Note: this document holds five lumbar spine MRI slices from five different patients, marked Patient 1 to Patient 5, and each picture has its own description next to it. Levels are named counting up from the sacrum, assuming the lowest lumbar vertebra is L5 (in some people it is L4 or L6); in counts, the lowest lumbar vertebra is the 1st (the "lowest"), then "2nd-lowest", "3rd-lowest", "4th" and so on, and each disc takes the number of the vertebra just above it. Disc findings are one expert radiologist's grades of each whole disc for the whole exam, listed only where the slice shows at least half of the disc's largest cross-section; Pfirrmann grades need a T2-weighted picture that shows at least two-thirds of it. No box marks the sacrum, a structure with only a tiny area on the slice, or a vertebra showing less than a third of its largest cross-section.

Patient 1 of 5:
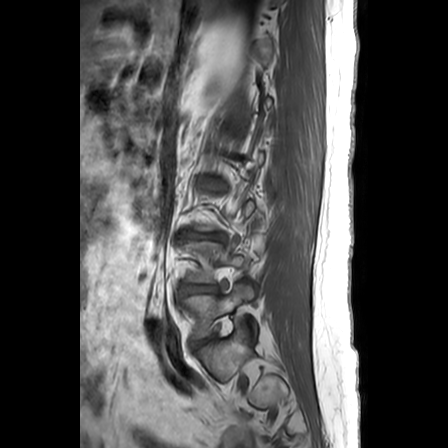

Sex F; Sagittal slice index 5; MRI lumbar spine (T1-weighted), sagittal plane
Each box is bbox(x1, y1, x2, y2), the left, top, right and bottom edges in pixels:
{"L5/S1": "bbox(197, 338, 210, 345)", "L5": "bbox(186, 284, 259, 340)", "L4/L5": "bbox(184, 285, 216, 293)", "L3/L4": "bbox(186, 230, 224, 239)"}

Patient 2 of 5:
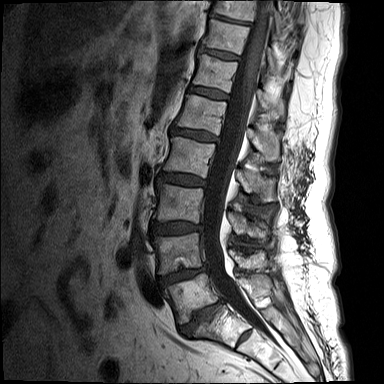 Slice spacing 4.4 mm; MRI lumbar spine (T1-weighted), sagittal plane; Image 384x384
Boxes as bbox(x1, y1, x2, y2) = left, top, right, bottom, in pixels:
Structures:
* L2 (4th vertebra): bbox(163, 137, 275, 201)
* intervertebral disc L4/L5 (2nd-lowest disc): bbox(158, 266, 207, 286)
* L1 (5th vertebra): bbox(176, 95, 282, 161)
* intervertebral disc L3/L4 (3rd-lowest disc): bbox(150, 222, 201, 234)
* L5/S1 (lowest disc): bbox(179, 298, 225, 336)
* intervertebral disc T10/T11 (8th disc): bbox(209, 12, 251, 25)
* L5 (lowest vertebra): bbox(164, 273, 272, 324)
* intervertebral disc L2/L3 (4th disc): bbox(158, 173, 205, 186)
* intervertebral disc T11/T12 (7th disc): bbox(200, 47, 239, 60)
* T12 (6th vertebra): bbox(193, 54, 285, 119)
* L3 (3rd-lowest vertebra): bbox(153, 183, 269, 240)
* T10 (8th vertebra): bbox(212, 0, 283, 30)
* intervertebral disc L1/L2 (5th disc): bbox(170, 127, 219, 141)
* T11 (7th vertebra): bbox(202, 19, 275, 71)
* intervertebral disc T12/L1 (6th disc): bbox(188, 86, 228, 99)
* L4 (2nd-lowest vertebra): bbox(152, 233, 268, 274)
* spinal canal: bbox(201, 0, 273, 339)

Expert MSK radiologist gradings (per disc):
  T10/T11 (8th disc): disc narrowing, Modic type II, lower-endplate change
  L1/L2 (5th disc): disc bulging
  L2/L3 (4th disc): disc bulging
  L4/L5 (2nd-lowest disc): Modic type II, upper-endplate change, disc bulging, lower-endplate change, disc narrowing
  L3/L4 (3rd-lowest disc): disc bulging
  L5/S1 (lowest disc): disc bulging, upper-endplate change, lower-endplate change, Modic type II, disc narrowing
  T12/L1 (6th disc): Modic type II
  T11/T12 (7th disc): upper-endplate change, Modic type II

Patient 3 of 5:
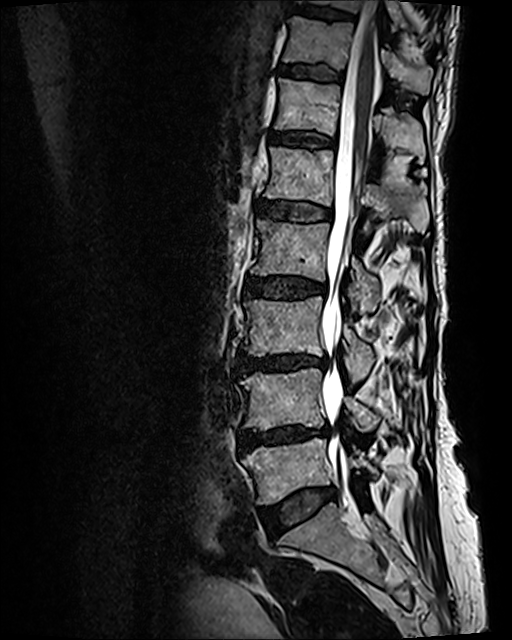 Lumbar spine MR, T2 SPACE (3D), sagittal. Sex F. Sagittal slice index 66. 512x640 px.
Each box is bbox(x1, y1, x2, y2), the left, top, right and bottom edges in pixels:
Annotations:
• IVD L2/L3 (4th disc) = bbox(245, 273, 326, 298)
• T11/T12 (7th disc) = bbox(280, 64, 343, 80)
• L5 (lowest vertebra) = bbox(242, 438, 377, 505)
• L4 (2nd-lowest vertebra) = bbox(240, 369, 379, 430)
• L1 (5th vertebra) = bbox(265, 147, 428, 232)
• spinal canal = bbox(322, 0, 379, 518)
• T10 (8th vertebra) = bbox(305, 0, 438, 39)
• L3/L4 (3rd-lowest disc) = bbox(238, 354, 327, 372)
• T11 (7th vertebra) = bbox(283, 16, 432, 94)
• L2 (4th vertebra) = bbox(252, 220, 381, 310)
• L1/L2 (5th disc) = bbox(259, 201, 331, 221)
• T12 (6th vertebra) = bbox(274, 79, 425, 163)
• L4/L5 (2nd-lowest disc) = bbox(239, 424, 328, 449)
• L3 (3rd-lowest vertebra) = bbox(243, 297, 374, 382)
• IVD T12/L1 (6th disc) = bbox(270, 131, 334, 148)
• IVD L5/S1 (lowest disc) = bbox(261, 489, 335, 530)
• T10/T11 (8th disc) = bbox(294, 7, 353, 19)

Per-level radiological findings:
• L1/L2 (5th disc): Pfirrmann grade 3, lower-endplate change, Modic type II, upper-endplate change
• L3/L4 (3rd-lowest disc): Pfirrmann grade 4, disc narrowing, upper-endplate change, lower-endplate change, disc bulging, Modic type II
• L5/S1 (lowest disc): Pfirrmann grade 2, disc bulging
• T11/T12 (7th disc): Pfirrmann grade 2, lower-endplate change, upper-endplate change, Modic type II
• T10/T11 (8th disc): Pfirrmann grade 2, lower-endplate change, upper-endplate change
• L4/L5 (2nd-lowest disc): Pfirrmann grade 4, lower-endplate change, upper-endplate change, disc bulging, disc narrowing, Modic type II
• T12/L1 (6th disc): Pfirrmann grade 2, Modic type II, lower-endplate change, upper-endplate change
• L2/L3 (4th disc): Pfirrmann grade 3, upper-endplate change, disc bulging, Modic type II, lower-endplate change

Patient 4 of 5:
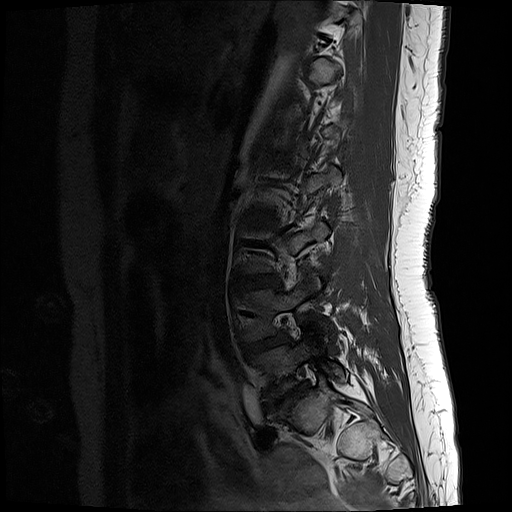 Sagittal slice index 15 | Patient sex: F | MRI lumbar spine (T1-weighted), sagittal plane | Slice spacing 3.3 mm
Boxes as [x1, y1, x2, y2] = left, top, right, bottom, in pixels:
2nd-lowest disc: [245, 334, 285, 355]
3rd-lowest disc: [238, 275, 278, 285]
4th disc: [253, 214, 273, 221]
lowest disc: [266, 383, 307, 410]
lowest vertebra: [259, 341, 346, 399]

Patient 5 of 5:
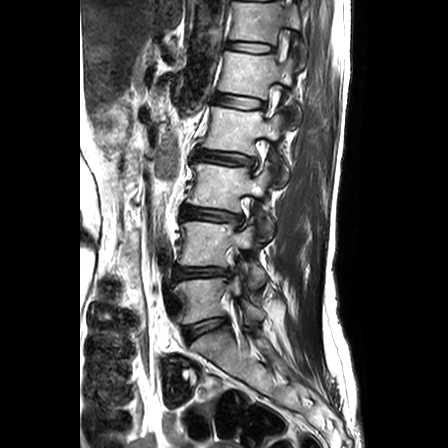
Field of view 280x280 mm, slice spacing 3.3 mm, Sagittal T2-weighted lumbar spine MRI, Sex F
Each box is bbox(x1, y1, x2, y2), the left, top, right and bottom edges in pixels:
Disc L5/S1 = bbox(184, 317, 227, 342).
Disc L2/L3 = bbox(195, 150, 253, 165).
T12 vertebra = bbox(230, 2, 306, 67).
L1 = bbox(218, 44, 300, 127).
Disc T12/L1 = bbox(227, 42, 273, 52).
L1/L2 = bbox(214, 94, 264, 108).
L3/L4 = bbox(182, 208, 241, 223).
L4 = bbox(178, 221, 265, 289).
Disc L4/L5 = bbox(176, 267, 229, 278).
L5 vertebra = bbox(175, 269, 264, 323).
L2 vertebra = bbox(203, 107, 289, 187).
L3 = bbox(187, 163, 274, 239).

Per-level radiological findings:
  L2/L3: Pfirrmann grade 3, upper-endplate change, Modic type II, disc bulging, lower-endplate change
  L1/L2: Pfirrmann grade 2, lower-endplate change, upper-endplate change, Modic type II
  L3/L4: Pfirrmann grade 3, upper-endplate change, lower-endplate change, disc bulging
  L4/L5: lower-endplate change, disc narrowing, disc herniation, upper-endplate change
  T12/L1: Pfirrmann grade 2, Modic type II
  L5/S1: no herniation, bulging, narrowing, spondylolisthesis, endplate or Modic change recorded